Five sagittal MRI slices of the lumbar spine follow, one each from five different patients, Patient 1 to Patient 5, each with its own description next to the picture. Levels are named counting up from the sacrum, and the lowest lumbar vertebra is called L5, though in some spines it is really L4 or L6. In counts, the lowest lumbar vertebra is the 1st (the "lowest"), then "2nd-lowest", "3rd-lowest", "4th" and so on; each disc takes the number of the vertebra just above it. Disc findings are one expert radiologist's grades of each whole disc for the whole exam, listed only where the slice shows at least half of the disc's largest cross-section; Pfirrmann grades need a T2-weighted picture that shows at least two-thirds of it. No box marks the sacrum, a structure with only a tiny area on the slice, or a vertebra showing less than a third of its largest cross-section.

Patient 1 of 5:
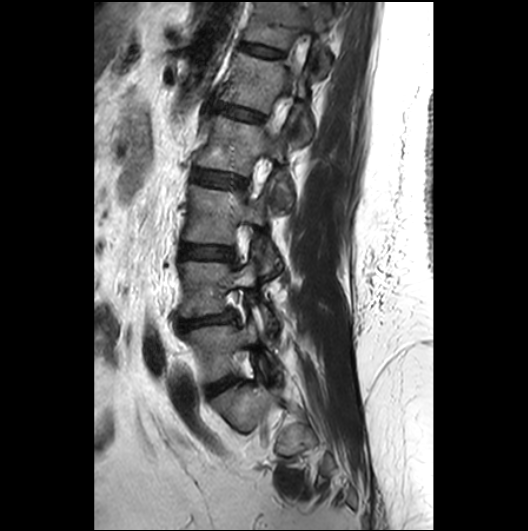 Sagittal slice index 18. 528x531 px. Lumbar spine MR, T2-weighted, sagittal.
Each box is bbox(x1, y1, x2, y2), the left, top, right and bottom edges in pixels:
6th vertebra at bbox(244, 1, 330, 71); 2nd-lowest disc at bbox(178, 311, 237, 330); 2nd-lowest vertebra at bbox(180, 259, 277, 332); 3rd-lowest vertebra at bbox(185, 185, 283, 280); 4th disc at bbox(194, 170, 245, 187); lowest disc at bbox(207, 378, 233, 396); lowest vertebra at bbox(185, 319, 275, 381); 5th vertebra at bbox(221, 52, 312, 141); 4th vertebra at bbox(198, 115, 292, 208); 5th disc at bbox(217, 103, 263, 121); 3rd-lowest disc at bbox(181, 244, 232, 259); 6th disc at bbox(239, 42, 283, 57).

Per-level radiological findings:
• 2nd-lowest disc: disc herniation, disc narrowing
• 3rd-lowest disc: Pfirrmann grade 2
• 6th disc: Pfirrmann grade 2
• 4th disc: Pfirrmann grade 2
• 5th disc: Pfirrmann grade 2

Patient 2 of 5:
Sex F, Sagittal T1-weighted lumbar spine MRI

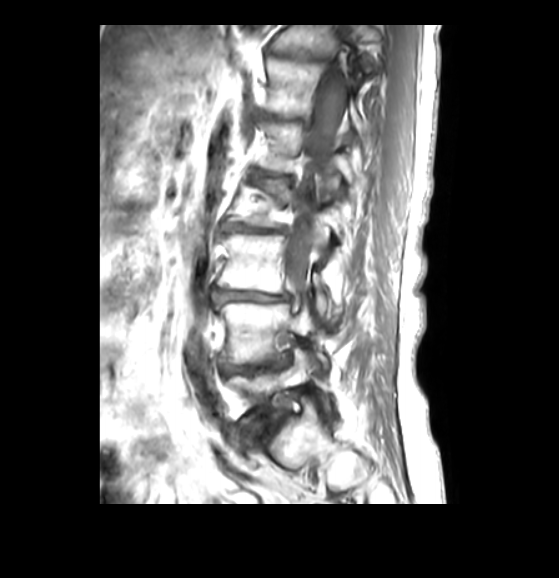 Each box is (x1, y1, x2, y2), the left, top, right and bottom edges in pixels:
{"5th disc": "(253, 171, 290, 178)", "lowest disc": "(246, 411, 285, 430)", "lowest vertebra": "(227, 348, 330, 422)", "7th vertebra": "(272, 25, 347, 57)", "3rd-lowest vertebra": "(217, 234, 335, 324)", "5th vertebra": "(261, 122, 360, 187)", "6th disc": "(260, 113, 309, 124)", "4th vertebra": "(227, 179, 345, 241)", "4th disc": "(223, 223, 285, 233)", "3rd-lowest disc": "(213, 289, 287, 302)", "6th vertebra": "(263, 57, 362, 130)", "2nd-lowest vertebra": "(218, 302, 327, 367)", "spinal canal": "(285, 66, 346, 294)", "2nd-lowest disc": "(220, 357, 287, 373)", "7th disc": "(268, 50, 327, 60)"}

Expert MSK radiologist gradings (per disc):
- 3rd-lowest disc: disc bulging, disc narrowing
- 7th disc: disc narrowing
- 2nd-lowest disc: disc bulging

Patient 3 of 5:
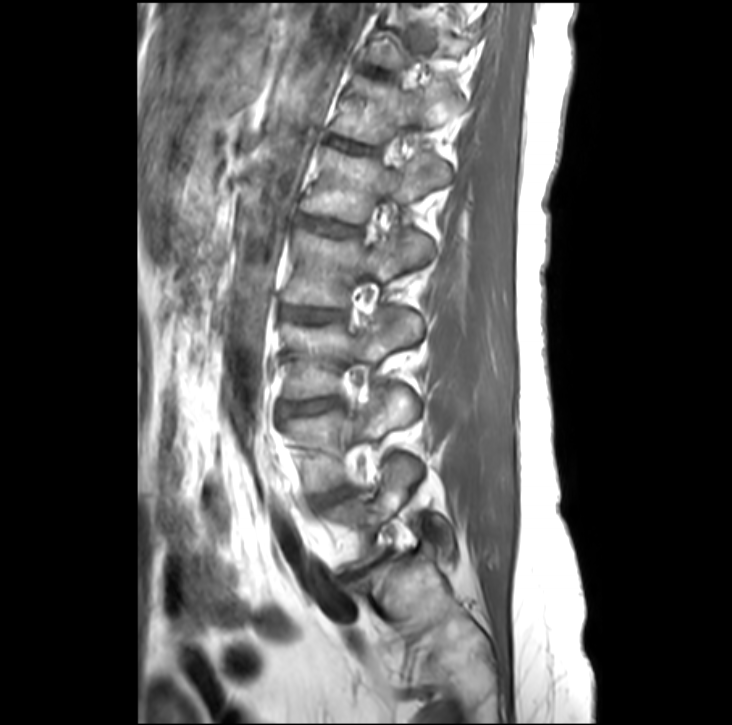 Lumbar spine MR, T1-weighted, sagittal, 732x725 px, Sagittal slice index 21, Sex F

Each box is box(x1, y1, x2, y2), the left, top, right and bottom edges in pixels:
Annotations:
- IVD L2/L3: box(282, 308, 342, 324)
- L4 vertebra: box(286, 387, 417, 492)
- IVD T12/L1: box(327, 137, 373, 154)
- L2: box(285, 231, 432, 309)
- IVD L4/L5: box(316, 488, 351, 506)
- L5: box(329, 456, 453, 572)
- L1 vertebra: box(301, 151, 449, 223)
- T11/T12: box(364, 69, 387, 76)
- T12 vertebra: box(329, 79, 462, 144)
- L3: box(282, 308, 421, 400)
- L3/L4: box(282, 399, 342, 416)
- L1/L2: box(298, 216, 357, 236)
- IVD L5/S1: box(341, 550, 393, 582)

Radiological gradings:
  L3/L4: disc bulging
  T12/L1, L1/L2, L2/L3: no herniation, bulging, narrowing, spondylolisthesis, endplate or Modic change recorded

Patient 4 of 5:
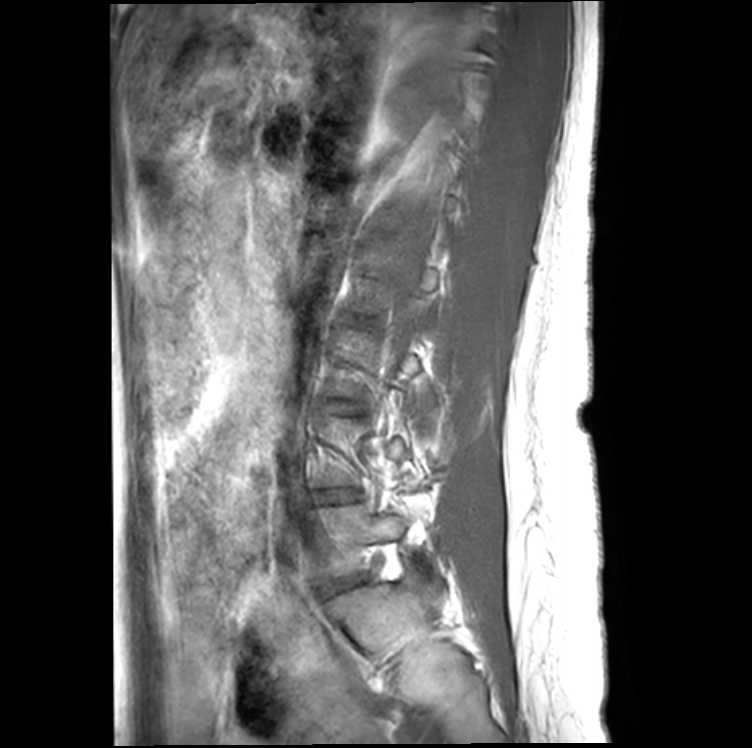 Sagittal T1-weighted lumbar spine MRI. Slice spacing 4.4 mm. Slice 6/21. 752x748 px.

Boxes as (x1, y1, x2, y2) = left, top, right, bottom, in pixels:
L5 (lowest vertebra) at (307, 504, 407, 574), disc L4/L5 (2nd-lowest disc) at (312, 489, 353, 503).

Patient 5 of 5:
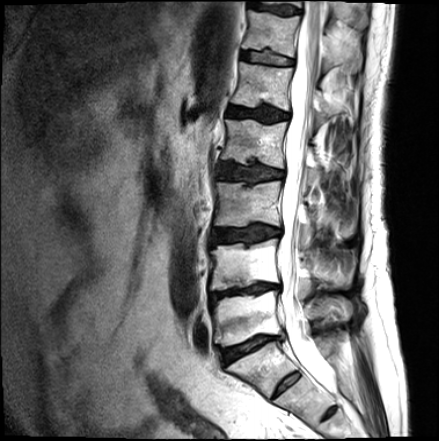
Sagittal T2-weighted lumbar spine MRI | Slice 8/16
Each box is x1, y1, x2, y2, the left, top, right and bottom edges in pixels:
2nd-lowest disc = 210, 283, 278, 302.
5th disc = 229, 106, 286, 121.
Lowest vertebra = 212, 290, 352, 346.
Thecal sac / spinal canal = 280, 0, 329, 386.
6th vertebra = 242, 9, 362, 69.
6th disc = 241, 51, 292, 64.
7th disc = 249, 2, 299, 14.
4th disc = 219, 163, 283, 180.
Lowest disc = 219, 335, 283, 365.
3rd-lowest vertebra = 214, 181, 350, 243.
4th vertebra = 221, 119, 325, 184.
3rd-lowest disc = 212, 226, 279, 244.
7th vertebra = 266, 1, 367, 28.
5th vertebra = 232, 61, 335, 122.
2nd-lowest vertebra = 210, 238, 330, 295.

Degenerative findings by level:
  3rd-lowest disc: Pfirrmann grade 3, disc bulging, lower-endplate change, upper-endplate change
  7th disc: Pfirrmann grade 3
  lowest disc: Pfirrmann grade 4, lower-endplate change, Modic type II, disc narrowing, upper-endplate change, disc bulging
  4th disc: Pfirrmann grade 3, upper-endplate change, lower-endplate change
  6th disc: Pfirrmann grade 2, lower-endplate change, upper-endplate change
  5th disc: Pfirrmann grade 3, lower-endplate change, upper-endplate change
  2nd-lowest disc: Pfirrmann grade 5, lower-endplate change, disc narrowing, Modic type II, upper-endplate change, disc bulging